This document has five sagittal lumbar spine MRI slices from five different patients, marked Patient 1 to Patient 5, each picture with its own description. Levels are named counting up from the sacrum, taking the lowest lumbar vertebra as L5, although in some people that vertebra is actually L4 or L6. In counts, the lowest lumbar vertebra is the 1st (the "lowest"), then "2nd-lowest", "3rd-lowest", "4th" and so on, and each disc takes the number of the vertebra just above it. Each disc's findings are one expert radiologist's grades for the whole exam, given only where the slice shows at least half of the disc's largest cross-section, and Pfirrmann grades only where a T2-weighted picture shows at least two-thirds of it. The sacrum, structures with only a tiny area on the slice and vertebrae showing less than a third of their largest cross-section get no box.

Patient 1 of 5:
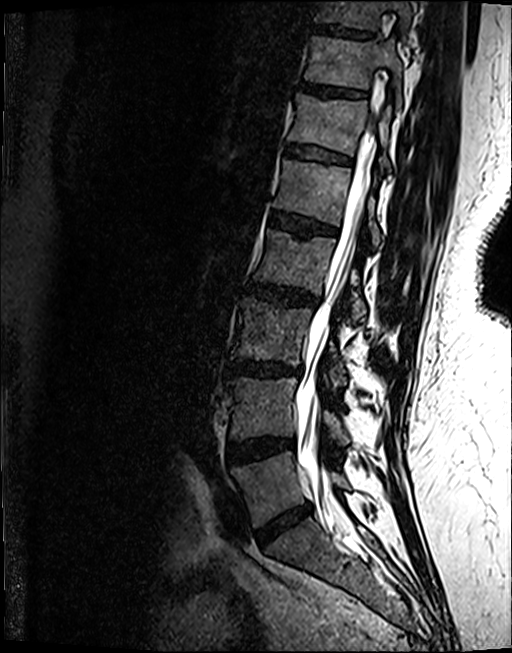 Lumbar spine MR, T2 SPACE (3D), sagittal | Sagittal slice index 69 | Field of view 240x301 mm
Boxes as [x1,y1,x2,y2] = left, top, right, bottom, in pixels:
Segmented structures:
• spinal canal = [296,106,379,515]
• T12 = [288,93,390,169]
• L3 vertebra = [232,296,345,389]
• disc L1/L2 = [270,211,336,236]
• L4 vertebra = [226,377,349,445]
• L5/S1 = [256,503,312,545]
• L2 vertebra = [253,228,365,322]
• L5 = [230,451,350,527]
• T10 = [315,0,411,32]
• L1 vertebra = [272,159,383,248]
• disc T11/T12 = [298,81,366,96]
• T10/T11 = [314,24,372,37]
• L2/L3 = [246,282,318,306]
• L3/L4 = [229,360,301,376]
• T12/L1 = [285,143,351,163]
• disc L4/L5 = [227,437,293,462]
• T11 = [303,34,402,106]

Expert MSK radiologist gradings (per disc):
• L1/L2: Pfirrmann grade 4, lower-endplate change, Modic type II, upper-endplate change
• T11/T12: Pfirrmann grade 4, upper-endplate change
• L5/S1: Pfirrmann grade 4, disc narrowing, disc bulging
• L4/L5: Pfirrmann grade 4, Modic type II, disc bulging, lower-endplate change
• T10/T11: Pfirrmann grade 4, upper-endplate change, lower-endplate change
• L3/L4: Pfirrmann grade 4, disc narrowing, lower-endplate change, upper-endplate change, disc bulging, Modic type II
• L2/L3: Pfirrmann grade 4, upper-endplate change, lower-endplate change, disc bulging
• T12/L1: Pfirrmann grade 3, upper-endplate change, lower-endplate change

Patient 2 of 5:
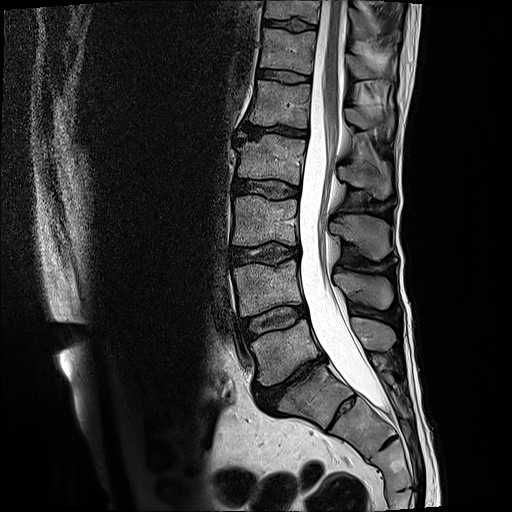

Sagittal T2-weighted lumbar spine MRI; 512x512 px

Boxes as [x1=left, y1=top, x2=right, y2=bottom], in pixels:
6th disc: [x1=258, y1=66, x2=309, y2=81]
5th disc: [x1=237, y1=123, x2=306, y2=140]
lowest disc: [x1=256, y1=354, x2=325, y2=408]
7th vertebra: [x1=266, y1=0, x2=370, y2=37]
2nd-lowest vertebra: [x1=234, y1=259, x2=392, y2=316]
2nd-lowest disc: [x1=243, y1=306, x2=305, y2=340]
6th vertebra: [x1=260, y1=28, x2=373, y2=77]
3rd-lowest disc: [x1=230, y1=246, x2=299, y2=264]
3rd-lowest vertebra: [x1=232, y1=195, x2=390, y2=259]
7th disc: [x1=265, y1=18, x2=314, y2=30]
4th vertebra: [x1=236, y1=134, x2=390, y2=198]
thecal sac / spinal canal: [x1=298, y1=0, x2=388, y2=411]
lowest vertebra: [x1=251, y1=317, x2=395, y2=385]
4th disc: [x1=234, y1=178, x2=299, y2=197]
5th vertebra: [x1=247, y1=80, x2=393, y2=137]

Degenerative findings by level:
• 2nd-lowest disc: Pfirrmann grade 3, Modic type II
• lowest disc: Pfirrmann grade 5, Modic type II, upper-endplate change, disc bulging, lower-endplate change, disc narrowing
• 7th disc: Pfirrmann grade 3, lower-endplate change, upper-endplate change
• 3rd-lowest disc: Pfirrmann grade 3, lower-endplate change, disc bulging, upper-endplate change
• 6th disc: Pfirrmann grade 3
• 5th disc: Pfirrmann grade 5, Modic type II, lower-endplate change, upper-endplate change, disc narrowing, disc bulging
• 4th disc: Pfirrmann grade 3

Patient 3 of 5:
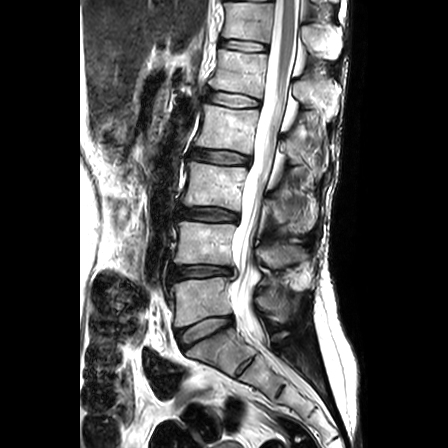 448x448 px | Sagittal T2-weighted lumbar spine MRI | Sex F

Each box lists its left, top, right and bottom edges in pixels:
Thecal sac / spinal canal at left=231, top=0, right=299, bottom=342; 2nd-lowest disc at left=169, top=265, right=237, bottom=282; 5th disc at left=207, top=90, right=258, bottom=107; 6th vertebra at left=222, top=3, right=343, bottom=60; 2nd-lowest vertebra at left=174, top=221, right=307, bottom=268; lowest vertebra at left=171, top=277, right=289, bottom=326; 5th vertebra at left=209, top=49, right=338, bottom=119; 4th vertebra at left=195, top=104, right=325, bottom=175; lowest disc at left=176, top=316, right=232, bottom=348; 4th disc at left=190, top=149, right=249, bottom=164; 6th disc at left=220, top=40, right=266, bottom=50; 3rd-lowest vertebra at left=182, top=161, right=316, bottom=232; 3rd-lowest disc at left=178, top=207, right=237, bottom=221.

Degenerative findings by level:
  lowest disc: Pfirrmann grade 2
  4th disc: Pfirrmann grade 3, Modic type II, disc bulging, upper-endplate change, lower-endplate change
  5th disc: Pfirrmann grade 2, upper-endplate change, Modic type II, lower-endplate change
  3rd-lowest disc: Pfirrmann grade 3, lower-endplate change, disc bulging, upper-endplate change
  2nd-lowest disc: Pfirrmann grade 3, lower-endplate change, disc narrowing, disc herniation, upper-endplate change
  6th disc: Pfirrmann grade 2, Modic type II

Patient 4 of 5:
Sagittal T2 SPACE (3D) lumbar spine MRI

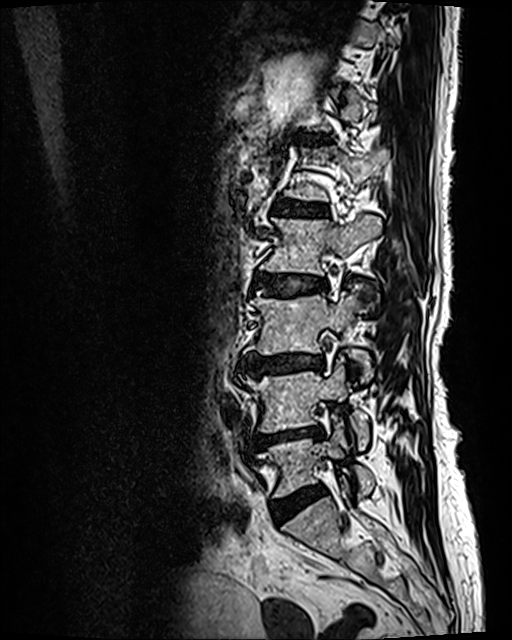

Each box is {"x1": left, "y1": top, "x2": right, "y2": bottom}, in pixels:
6th disc: {"x1": 299, "y1": 135, "x2": 326, "y2": 143}.
4th vertebra: {"x1": 260, "y1": 215, "x2": 382, "y2": 275}.
Lowest disc: {"x1": 273, "y1": 486, "x2": 323, "y2": 523}.
Lowest vertebra: {"x1": 257, "y1": 420, "x2": 374, "y2": 497}.
2nd-lowest vertebra: {"x1": 239, "y1": 357, "x2": 368, "y2": 450}.
2nd-lowest disc: {"x1": 247, "y1": 428, "x2": 323, "y2": 450}.
3rd-lowest vertebra: {"x1": 246, "y1": 288, "x2": 373, "y2": 382}.
4th disc: {"x1": 257, "y1": 273, "x2": 327, "y2": 295}.
3rd-lowest disc: {"x1": 241, "y1": 355, "x2": 323, "y2": 374}.
5th disc: {"x1": 278, "y1": 199, "x2": 327, "y2": 215}.
5th vertebra: {"x1": 285, "y1": 147, "x2": 388, "y2": 200}.

Degenerative findings by level:
  3rd-lowest disc: Pfirrmann grade 4, Modic type II, upper-endplate change, disc bulging, disc narrowing, lower-endplate change
  lowest disc: disc bulging
  4th disc: Pfirrmann grade 3, disc bulging, lower-endplate change, upper-endplate change, Modic type II
  2nd-lowest disc: disc narrowing, Modic type II, disc bulging, lower-endplate change, upper-endplate change
  5th disc: upper-endplate change, Modic type II, lower-endplate change

Patient 5 of 5:
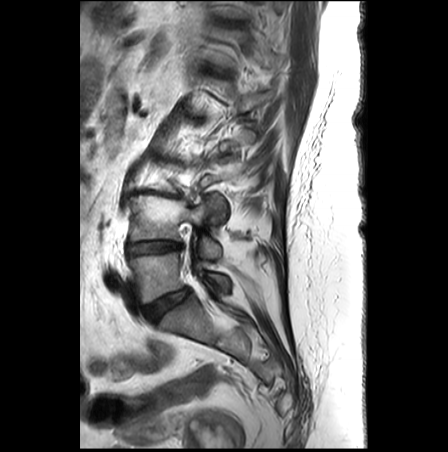 Slice 19/28; Lumbar spine MR, T2-weighted, sagittal

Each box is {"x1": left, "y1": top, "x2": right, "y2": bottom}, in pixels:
{"L4 vertebra": {"x1": 129, "y1": 196, "x2": 223, "y2": 258}, "T12 vertebra": {"x1": 203, "y1": 27, "x2": 271, "y2": 67}, "L4/L5": {"x1": 126, "y1": 242, "x2": 181, "y2": 255}, "intervertebral disc T11/T12": {"x1": 220, "y1": 21, "x2": 245, "y2": 26}, "intervertebral disc L5/S1": {"x1": 146, "y1": 288, "x2": 189, "y2": 324}, "L5": {"x1": 129, "y1": 252, "x2": 228, "y2": 304}}

Radiological gradings:
• L5/S1: Pfirrmann grade 2
• L4/L5: Pfirrmann grade 5, disc narrowing, disc bulging, upper-endplate change, Modic type II, lower-endplate change